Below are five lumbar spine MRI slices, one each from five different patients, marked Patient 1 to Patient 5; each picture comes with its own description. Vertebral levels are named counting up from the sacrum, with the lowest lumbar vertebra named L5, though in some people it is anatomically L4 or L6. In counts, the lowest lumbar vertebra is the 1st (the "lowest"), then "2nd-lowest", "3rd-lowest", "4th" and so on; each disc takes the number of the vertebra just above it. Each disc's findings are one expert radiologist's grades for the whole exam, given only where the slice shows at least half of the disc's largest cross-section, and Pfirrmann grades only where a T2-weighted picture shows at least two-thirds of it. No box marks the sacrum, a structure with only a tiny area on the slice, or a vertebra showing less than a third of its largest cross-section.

Patient 1 of 5:
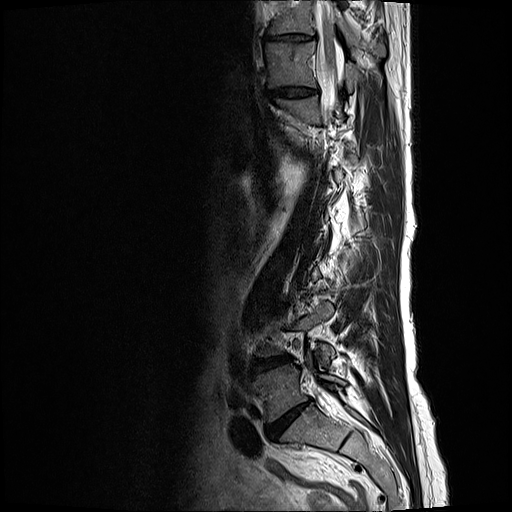
Patient sex: F. Field of view 300x300 mm, slice spacing 3.3 mm. Sagittal T2-weighted lumbar spine MRI.

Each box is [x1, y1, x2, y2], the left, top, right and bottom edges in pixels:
intervertebral disc L4/L5: [253, 358, 288, 371] | T11 vertebra: [266, 42, 361, 91] | T11/T12: [267, 84, 318, 97] | L5 vertebra: [254, 351, 346, 422] | L5/S1: [268, 399, 311, 438] | spinal canal: [316, 2, 343, 118] | T10 vertebra: [268, 1, 385, 56] | T10/T11: [269, 34, 313, 41]

Per-level radiological findings:
  L5/S1: Pfirrmann grade 5, disc narrowing, Modic type II, lower-endplate change, disc bulging, upper-endplate change
  T11/T12: Pfirrmann grade 3, disc bulging, disc narrowing
  T10/T11: disc narrowing, disc bulging

Patient 2 of 5:
MRI lumbar spine (T2-weighted), sagittal plane 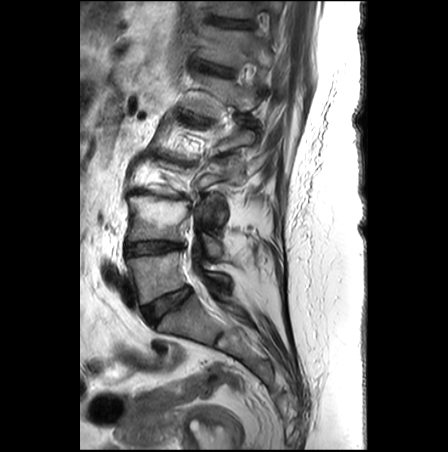
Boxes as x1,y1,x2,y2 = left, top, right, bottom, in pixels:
Annotations:
- thecal sac / spinal canal at 186,252,201,290
- IVD L5/S1 at 143,287,190,325
- IVD T12/L1 at 198,61,235,77
- T12 vertebra at 200,24,271,67
- IVD T11/T12 at 211,17,253,28
- IVD L1/L2 at 179,108,209,123
- L4/L5 at 125,242,182,255
- L4 at 128,196,221,255
- L1 at 188,73,257,116
- T11 vertebra at 216,0,281,18
- L5 at 126,252,228,304

Radiological gradings:
- L5/S1: Pfirrmann grade 2
- T12/L1: upper-endplate change, Modic type II, lower-endplate change
- L4/L5: Pfirrmann grade 5, disc bulging, Modic type II, disc narrowing, upper-endplate change, lower-endplate change
- T11/T12: lower-endplate change, upper-endplate change

Patient 3 of 5:
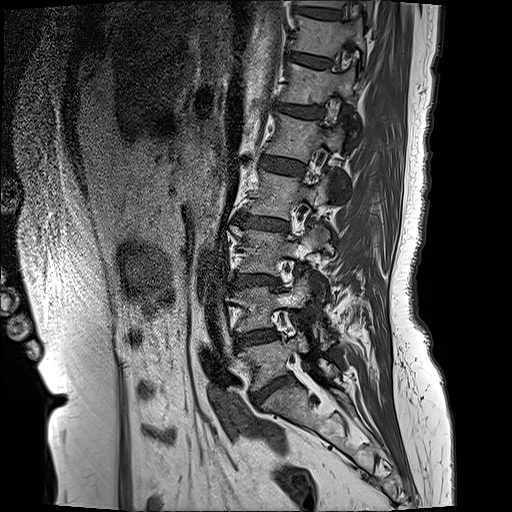 Slice 14 of 17 | Sagittal T1-weighted lumbar spine MRI | Sex F
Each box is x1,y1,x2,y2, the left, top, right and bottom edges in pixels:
L4: 239,276,317,337.
Disc T12/L1: 277,102,325,119.
L2/L3: 235,214,288,232.
Disc L1/L2: 259,154,304,174.
L3/L4: 234,273,278,284.
T10: 296,0,373,23.
L2 vertebra: 252,172,331,219.
Disc T11/T12: 291,53,330,66.
T10/T11: 297,6,342,18.
L5/S1: 254,376,290,403.
T12: 283,64,358,126.
L3 vertebra: 231,226,329,275.
L1: 268,114,344,161.
T11: 294,16,365,57.
Disc L4/L5: 237,330,277,348.
L5 vertebra: 241,331,338,389.

Radiological gradings:
  T12/L1: disc bulging
  L3/L4: upper-endplate change, disc bulging, lower-endplate change, Modic type II, disc narrowing
  L4/L5: disc bulging
  L2/L3: disc narrowing, disc bulging, upper-endplate change, Modic type II, lower-endplate change
  L1/L2, T10/T11, T11/T12: no herniation, bulging, narrowing, spondylolisthesis, endplate or Modic change recorded

Patient 4 of 5:
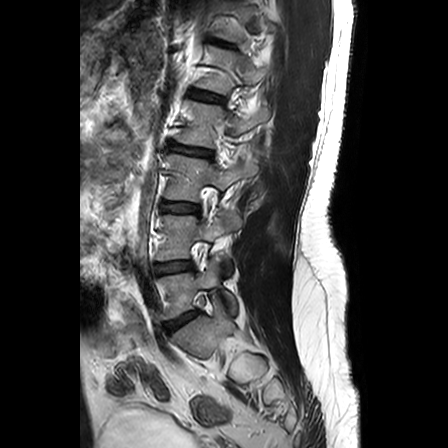 Sex M. Sagittal slice index 6. Lumbar spine MR, T2-weighted, sagittal. Image 448x448.
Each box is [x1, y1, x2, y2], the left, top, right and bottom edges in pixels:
IVD L4/L5 (2nd-lowest disc) at [156, 262, 192, 273], L3 (3rd-lowest vertebra) at [165, 154, 252, 201], L1/L2 (5th disc) at [189, 89, 223, 102], L4 (2nd-lowest vertebra) at [157, 213, 241, 260], IVD L5/S1 (lowest disc) at [165, 312, 196, 330], L2 (4th vertebra) at [177, 101, 269, 147], IVD L2/L3 (4th disc) at [170, 144, 211, 156], L1 (5th vertebra) at [196, 46, 268, 94], L3/L4 (3rd-lowest disc) at [161, 201, 198, 212], IVD T12/L1 (6th disc) at [216, 41, 232, 46], L5 (lowest vertebra) at [161, 258, 235, 319].

Degenerative findings by level:
  L3/L4 (3rd-lowest disc): upper-endplate change
  L2/L3 (4th disc): Pfirrmann grade 4, disc bulging, upper-endplate change, disc narrowing, lower-endplate change
  L1/L2 (5th disc): no spondylolisthesis, narrowing, bulging, herniation, Modic or endplate change recorded

Patient 5 of 5:
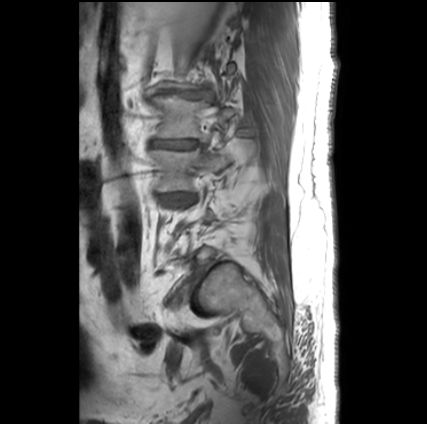 427x424 px; Slice spacing 3.3 mm; T1-weighted sagittal MRI of the lumbar spine

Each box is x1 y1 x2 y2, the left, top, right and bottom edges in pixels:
IVD L2/L3 at 151 141 198 148, L3/L4 at 158 192 197 202, L2 vertebra at 148 94 236 141, IVD L1/L2 at 159 89 196 98, L3 vertebra at 150 149 232 191.

Per-level radiological findings:
• L3/L4: Modic type II, upper-endplate change, lower-endplate change, disc bulging, disc narrowing
• L1/L2: disc bulging, lower-endplate change, Modic type II, upper-endplate change, disc herniation, disc narrowing
• L2/L3: Modic type II, lower-endplate change, upper-endplate change, disc bulging, disc narrowing